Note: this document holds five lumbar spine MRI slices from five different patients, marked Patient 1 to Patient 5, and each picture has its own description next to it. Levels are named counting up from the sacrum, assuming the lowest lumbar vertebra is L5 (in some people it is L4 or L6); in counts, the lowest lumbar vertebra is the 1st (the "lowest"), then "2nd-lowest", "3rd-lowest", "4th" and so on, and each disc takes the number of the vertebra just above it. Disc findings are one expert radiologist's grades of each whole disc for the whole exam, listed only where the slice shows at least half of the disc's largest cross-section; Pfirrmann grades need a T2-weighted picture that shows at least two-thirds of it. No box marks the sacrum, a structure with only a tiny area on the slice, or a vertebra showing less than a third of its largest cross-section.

Patient 1 of 5:
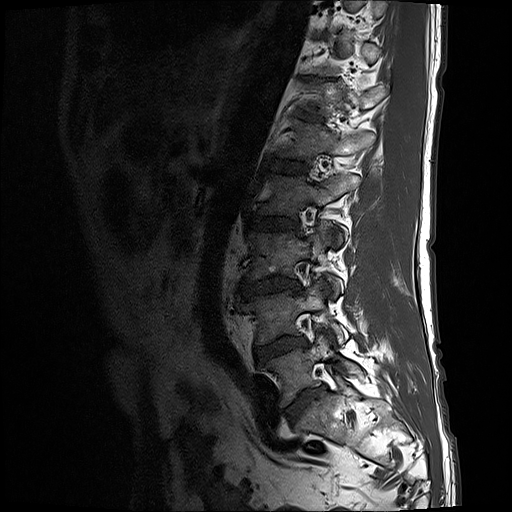 MRI lumbar spine (T1-weighted), sagittal plane
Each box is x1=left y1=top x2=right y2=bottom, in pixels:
L1 vertebra: x1=281 y1=119 x2=373 y2=162.
T12/L1: x1=295 y1=111 x2=323 y2=121.
IVD L3/L4: x1=238 y1=277 x2=301 y2=296.
T11/T12: x1=305 y1=77 x2=325 y2=81.
L5: x1=262 y1=335 x2=359 y2=406.
IVD L2/L3: x1=250 y1=216 x2=299 y2=232.
L4 vertebra: x1=238 y1=278 x2=346 y2=344.
L1/L2: x1=269 y1=159 x2=308 y2=173.
L4/L5: x1=254 y1=337 x2=306 y2=361.
T12: x1=298 y1=83 x2=387 y2=113.
L5/S1: x1=284 y1=387 x2=320 y2=422.
L3: x1=246 y1=223 x2=341 y2=298.
L2: x1=258 y1=172 x2=357 y2=246.

Degenerative findings by level:
  L3/L4: disc bulging, Modic type II, disc narrowing
  L2/L3: Modic type II, disc bulging
  L4/L5: Modic type II, disc bulging
  L5/S1: disc narrowing, disc bulging
  L1/L2: no spondylolisthesis, narrowing, bulging, herniation, Modic or endplate change recorded

Patient 2 of 5:
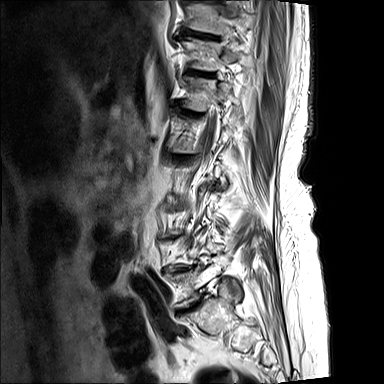 MRI lumbar spine (T2-weighted), sagittal plane | Field of view 280x280 mm
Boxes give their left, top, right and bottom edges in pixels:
T10 (8th vertebra) at left=187, top=4, right=258, bottom=34; L5 (lowest vertebra) at left=175, top=263, right=220, bottom=306; T11 (7th vertebra) at left=183, top=38, right=253, bottom=70; T11/T12 (7th disc) at left=192, top=72, right=210, bottom=76; T10/T11 (8th disc) at left=183, top=30, right=219, bottom=39.

Expert MSK radiologist gradings (per disc):
  T10/T11 (8th disc): Pfirrmann grade 4, upper-endplate change

Patient 3 of 5:
Lumbar spine MR, T2 SPACE (3D), sagittal
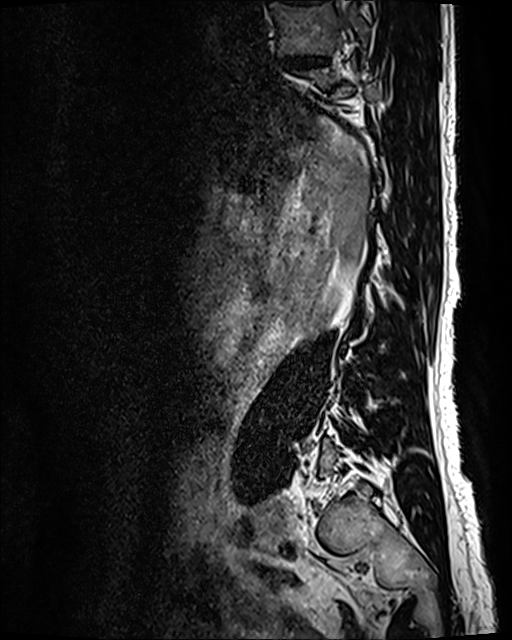

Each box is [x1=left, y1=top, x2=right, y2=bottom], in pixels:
T10/T11 (8th disc): [x1=283, y1=54, x2=327, y2=68].
T10 (8th vertebra): [x1=270, y1=3, x2=367, y2=55].

Degenerative findings by level:
  T10/T11 (8th disc): disc narrowing, disc bulging

Patient 4 of 5:
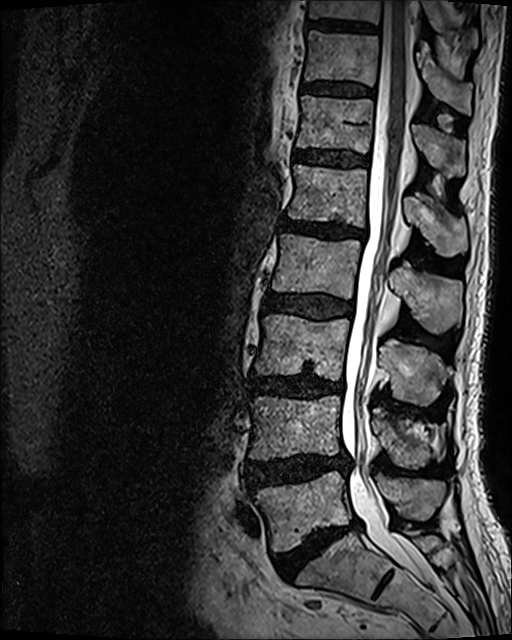
MRI lumbar spine (T2 SPACE (3D)), sagittal plane.

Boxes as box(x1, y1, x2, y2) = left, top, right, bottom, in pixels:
7th vertebra at box(304, 31, 471, 112); 4th vertebra at box(271, 233, 462, 332); 8th vertebra at box(309, 0, 457, 36); thecal sac / spinal canal at box(340, 1, 424, 580); 7th disc at box(303, 84, 373, 95); 2nd-lowest disc at box(246, 454, 348, 488); 5th disc at box(280, 219, 365, 237); lowest vertebra at box(255, 471, 440, 551); 4th disc at box(262, 291, 352, 319); 5th vertebra at box(288, 164, 467, 255); 3rd-lowest vertebra at box(255, 314, 448, 404); 8th disc at box(307, 19, 377, 34); 3rd-lowest disc at box(249, 375, 344, 398); 6th disc at box(294, 151, 367, 166); 2nd-lowest vertebra at box(250, 396, 428, 469); lowest disc at box(273, 520, 361, 580); 6th vertebra at box(297, 95, 465, 176).

Degenerative findings by level:
  2nd-lowest disc: Pfirrmann grade 4, disc bulging, disc herniation
  6th disc: Pfirrmann grade 3
  7th disc: Pfirrmann grade 3
  5th disc: Pfirrmann grade 4, upper-endplate change, lower-endplate change, Modic type II, disc narrowing, disc bulging
  3rd-lowest disc: Pfirrmann grade 4, disc bulging, disc narrowing, lower-endplate change, Modic type II
  4th disc: Pfirrmann grade 3, disc bulging
  lowest disc: Pfirrmann grade 5, disc bulging, disc narrowing, Modic type II, lower-endplate change

Patient 5 of 5:
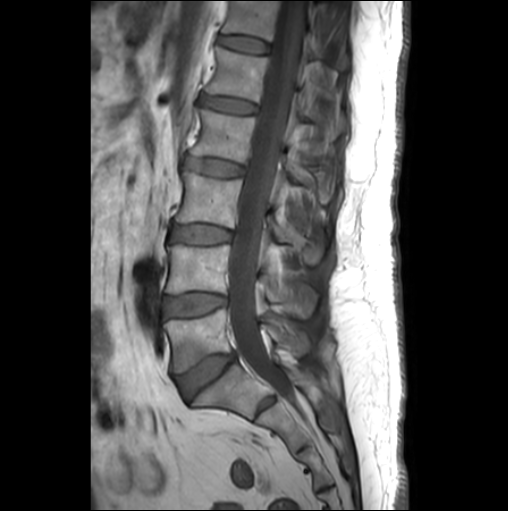

Slice 13 of 26. T1-weighted sagittal MRI of the lumbar spine.

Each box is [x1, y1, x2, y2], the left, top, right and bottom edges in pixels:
Segmented structures:
* 2nd-lowest vertebra: [167, 245, 317, 316]
* lowest disc: [176, 353, 235, 398]
* 3rd-lowest vertebra: [176, 171, 324, 263]
* 4th vertebra: [192, 108, 329, 199]
* lowest vertebra: [165, 309, 310, 372]
* 3rd-lowest disc: [171, 225, 230, 243]
* 6th disc: [219, 35, 269, 52]
* thecal sac / spinal canal: [227, 1, 304, 391]
* 5th disc: [201, 95, 255, 112]
* 2nd-lowest disc: [165, 293, 226, 316]
* 4th disc: [185, 157, 244, 176]
* 6th vertebra: [222, 1, 346, 67]
* 5th vertebra: [205, 47, 345, 139]

Radiological gradings:
• lowest disc: Modic type II, disc bulging
• 2nd-lowest disc: Modic type II
• 5th disc, 4th disc, 6th disc, 3rd-lowest disc: no Modic or endplate change, herniation, narrowing, bulging or spondylolisthesis recorded